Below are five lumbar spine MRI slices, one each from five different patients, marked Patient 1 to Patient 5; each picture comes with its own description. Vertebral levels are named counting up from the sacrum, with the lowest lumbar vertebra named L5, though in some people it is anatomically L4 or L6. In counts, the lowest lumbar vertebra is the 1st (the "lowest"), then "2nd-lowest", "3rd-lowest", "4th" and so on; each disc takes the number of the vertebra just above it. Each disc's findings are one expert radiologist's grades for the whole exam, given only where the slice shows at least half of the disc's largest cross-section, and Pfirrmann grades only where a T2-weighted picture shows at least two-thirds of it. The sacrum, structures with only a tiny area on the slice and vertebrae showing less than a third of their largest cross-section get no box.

Patient 1 of 5:
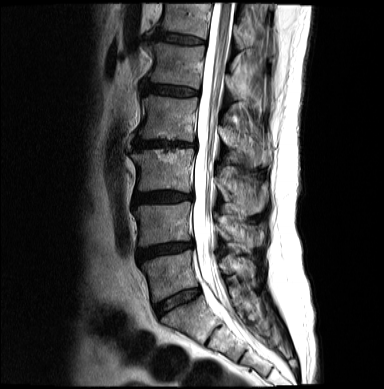

T2-weighted sagittal MRI of the lumbar spine
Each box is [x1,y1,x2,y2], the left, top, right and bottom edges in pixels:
L2 vertebra = [138,96,270,166] | L3 vertebra = [131,149,268,214] | L5/S1 = [154,288,199,315] | L1/L2 = [143,82,198,96] | L3/L4 = [134,191,192,204] | spinal canal = [192,3,233,302] | L2/L3 = [134,138,195,149] | L5 = [141,251,254,302] | IVD L4/L5 = [137,243,192,261] | T12/L1 = [153,31,205,44] | T12 = [159,3,246,48] | L4 = [135,202,263,251] | L1 vertebra = [148,43,250,100]

Radiological gradings:
  L1/L2: Pfirrmann grade 3, upper-endplate change, lower-endplate change
  T12/L1: Pfirrmann grade 3
  L3/L4: Pfirrmann grade 4, disc bulging
  L4/L5: Pfirrmann grade 4, disc bulging, lower-endplate change, disc narrowing
  L5/S1: Pfirrmann grade 3
  L2/L3: Pfirrmann grade 4, lower-endplate change, upper-endplate change, disc narrowing, Modic type II, disc bulging

Patient 2 of 5:
Image 512x640, Slice 37 of 120, Lumbar spine MR, T2 SPACE (3D), sagittal

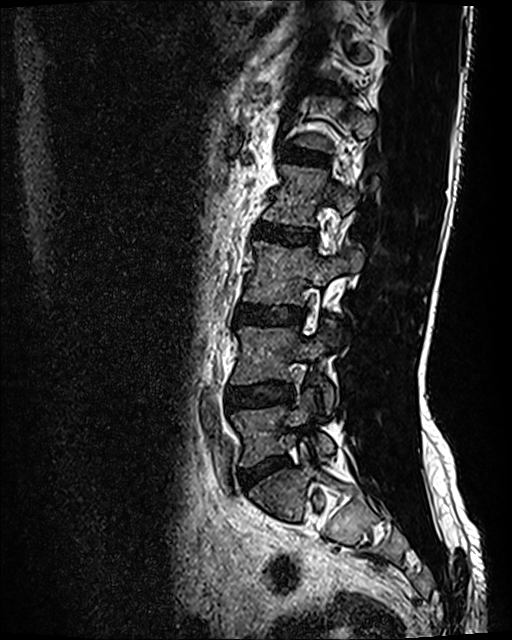

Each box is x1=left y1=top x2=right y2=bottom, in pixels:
Segmented structures:
- 4th vertebra: x1=263 y1=164 x2=378 y2=227
- lowest vertebra: x1=231 y1=389 x2=333 y2=467
- lowest disc: x1=241 y1=456 x2=288 y2=488
- 2nd-lowest vertebra: x1=230 y1=322 x2=340 y2=414
- 5th disc: x1=285 y1=147 x2=329 y2=165
- 3rd-lowest disc: x1=237 y1=304 x2=304 y2=325
- 4th disc: x1=256 y1=222 x2=316 y2=244
- 2nd-lowest disc: x1=227 y1=379 x2=292 y2=410
- 3rd-lowest vertebra: x1=242 y1=240 x2=363 y2=304

Degenerative findings by level:
- 2nd-lowest disc: Pfirrmann grade 2, disc bulging
- 3rd-lowest disc: Pfirrmann grade 2, disc bulging
- 4th disc: no herniation, bulging, narrowing, spondylolisthesis, endplate or Modic change recorded

Patient 3 of 5:
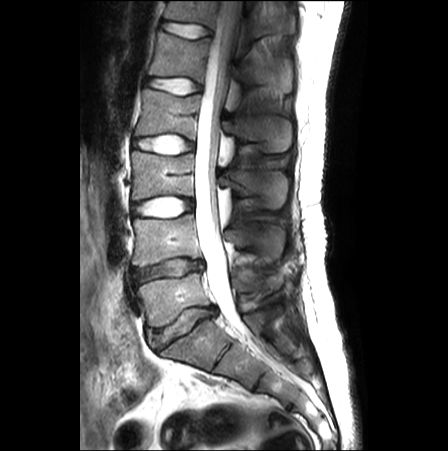
Sex M; T2-weighted sagittal MRI of the lumbar spine
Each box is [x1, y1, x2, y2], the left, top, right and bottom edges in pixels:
6th disc at [164, 21, 210, 38], 4th vertebra at [135, 89, 291, 151], lowest disc at [148, 306, 216, 348], 6th vertebra at [165, 1, 295, 37], 5th vertebra at [149, 31, 292, 92], 2nd-lowest vertebra at [132, 214, 284, 266], lowest vertebra at [137, 273, 280, 326], 3rd-lowest disc at [133, 197, 192, 217], 2nd-lowest disc at [133, 259, 202, 281], 5th disc at [148, 77, 201, 93], 4th disc at [134, 134, 193, 156], 3rd-lowest vertebra at [132, 151, 286, 209], thecal sac / spinal canal at [195, 1, 246, 329].

Expert MSK radiologist gradings (per disc):
- lowest disc: Pfirrmann grade 3, disc narrowing, disc bulging
- 4th disc: Pfirrmann grade 1
- 2nd-lowest disc: Pfirrmann grade 3, disc bulging, disc narrowing
- 6th disc: Pfirrmann grade 1, lower-endplate change
- 5th disc: Pfirrmann grade 1
- 3rd-lowest disc: Pfirrmann grade 1

Patient 4 of 5:
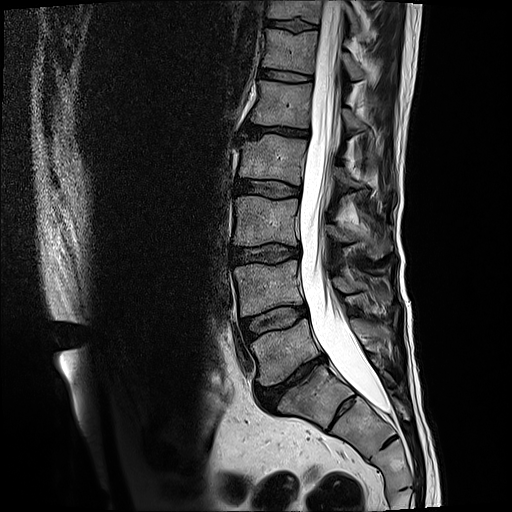
512x512 px | Lumbar spine MR, T2-weighted, sagittal | Slice 8 of 17 | Sex M

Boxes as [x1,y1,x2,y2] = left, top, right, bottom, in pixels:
{"intervertebral disc L5/S1 (lowest disc)": "[257,354,325,408]", "T12 (6th vertebra)": "[262,29,366,78]", "L5 (lowest vertebra)": "[250,318,393,385]", "intervertebral disc L3/L4 (3rd-lowest disc)": "[233,246,299,264]", "L4 (2nd-lowest vertebra)": "[234,259,391,315]", "intervertebral disc L1/L2 (5th disc)": "[241,123,307,137]", "L3 (3rd-lowest vertebra)": "[233,195,392,258]", "L2 (4th vertebra)": "[239,134,387,188]", "L2/L3 (4th disc)": "[234,178,300,197]", "T11/T12 (7th disc)": "[267,18,316,30]", "intervertebral disc L4/L5 (2nd-lowest disc)": "[244,306,305,341]", "T11 (7th vertebra)": "[269,0,360,34]", "T12/L1 (6th disc)": "[259,66,310,81]", "L1 (5th vertebra)": "[250,80,365,129]", "thecal sac / spinal canal": "[298,0,389,413]"}

Per-level radiological findings:
- T11/T12 (7th disc): Pfirrmann grade 3, upper-endplate change, lower-endplate change
- L3/L4 (3rd-lowest disc): Pfirrmann grade 3, lower-endplate change, disc bulging, upper-endplate change
- L1/L2 (5th disc): Pfirrmann grade 5, disc narrowing, disc bulging, lower-endplate change, Modic type II, upper-endplate change
- L2/L3 (4th disc): Pfirrmann grade 3
- T12/L1 (6th disc): Pfirrmann grade 3
- L5/S1 (lowest disc): Pfirrmann grade 5, lower-endplate change, upper-endplate change, disc narrowing, Modic type II, disc bulging
- L4/L5 (2nd-lowest disc): Pfirrmann grade 3, Modic type II

Patient 5 of 5:
Sex F, T2-weighted sagittal MRI of the lumbar spine

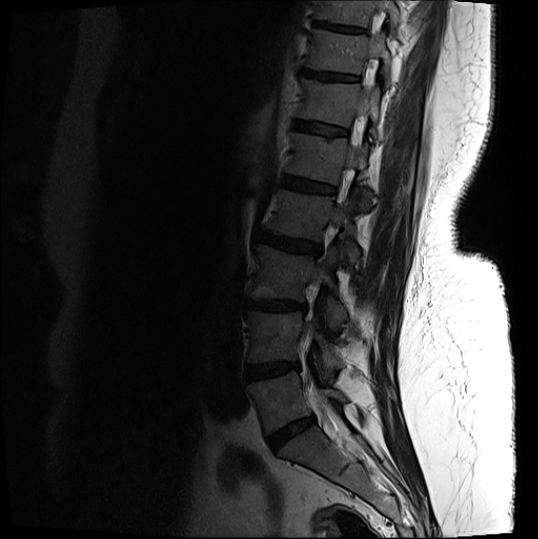 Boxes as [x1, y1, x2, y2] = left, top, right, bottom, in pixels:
5th vertebra = [286, 133, 371, 208].
2nd-lowest disc = [246, 362, 299, 379].
8th disc = [313, 21, 365, 32].
2nd-lowest vertebra = [247, 311, 342, 377].
5th disc = [283, 176, 335, 194].
3rd-lowest disc = [248, 301, 306, 311].
7th disc = [303, 70, 358, 82].
Lowest vertebra = [247, 372, 346, 434].
4th disc = [257, 231, 321, 255].
3rd-lowest vertebra = [251, 245, 347, 330].
6th disc = [294, 120, 347, 136].
Lowest disc = [267, 417, 313, 450].
8th vertebra = [316, 1, 399, 28].
4th vertebra = [267, 190, 360, 267].
6th vertebra = [298, 79, 380, 138].
7th vertebra = [307, 30, 390, 84].

Radiological gradings:
- 3rd-lowest disc: Pfirrmann grade 4, Modic type II, upper-endplate change, lower-endplate change, disc bulging, disc narrowing
- 5th disc: Pfirrmann grade 4, lower-endplate change, upper-endplate change, Modic type II
- 4th disc: Pfirrmann grade 4, upper-endplate change, lower-endplate change, disc bulging
- 2nd-lowest disc: Pfirrmann grade 4, disc bulging, Modic type II, lower-endplate change
- lowest disc: Pfirrmann grade 4, disc bulging, disc narrowing
- 6th disc: Pfirrmann grade 3, lower-endplate change, upper-endplate change
- 7th disc: Pfirrmann grade 4, upper-endplate change
- 8th disc: Pfirrmann grade 4, upper-endplate change, lower-endplate change